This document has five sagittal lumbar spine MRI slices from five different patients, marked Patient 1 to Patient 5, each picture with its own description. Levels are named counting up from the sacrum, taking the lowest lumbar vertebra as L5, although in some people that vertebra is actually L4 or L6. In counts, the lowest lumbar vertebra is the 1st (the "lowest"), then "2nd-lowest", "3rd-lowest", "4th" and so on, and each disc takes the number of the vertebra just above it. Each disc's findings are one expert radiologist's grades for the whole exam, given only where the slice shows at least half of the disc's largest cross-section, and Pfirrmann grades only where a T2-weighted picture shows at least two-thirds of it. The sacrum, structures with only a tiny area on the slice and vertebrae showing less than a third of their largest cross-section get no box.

Patient 1 of 5:
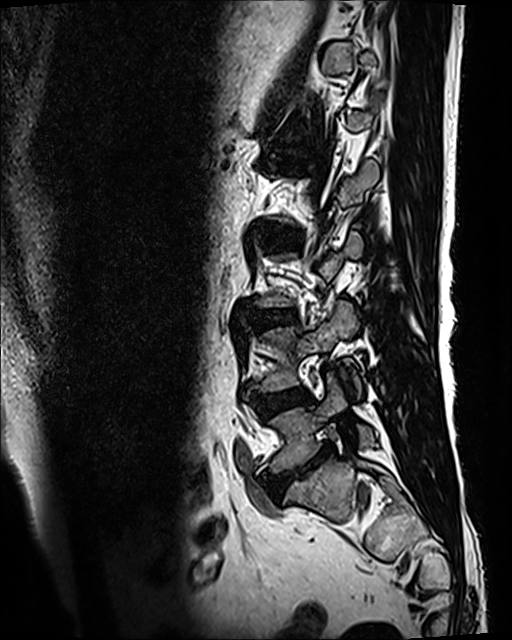 Sagittal slice index 33; MRI lumbar spine (T2 SPACE (3D)), sagittal plane
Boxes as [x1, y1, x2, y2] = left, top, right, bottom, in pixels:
Segmented structures:
* L4 = [255, 300, 361, 397]
* L3/L4 = [254, 310, 296, 327]
* L5/S1 = [269, 445, 334, 492]
* L5 = [270, 372, 375, 472]
* intervertebral disc L4/L5 = [256, 390, 308, 415]

Patient 2 of 5:
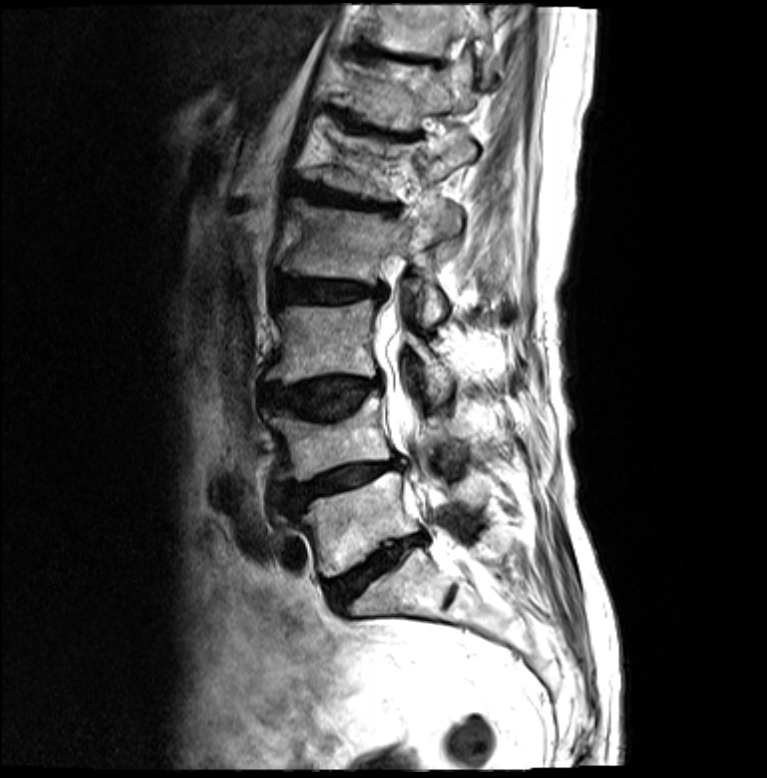 T2-weighted sagittal MRI of the lumbar spine | Slice 8 of 19
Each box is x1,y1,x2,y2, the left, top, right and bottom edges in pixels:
Disc T11/T12 (7th disc): 365,49,438,62.
L5 (lowest vertebra): 291,472,482,577.
L3 (3rd-lowest vertebra): 266,298,454,399.
L2 (4th vertebra): 280,197,462,324.
T11 (7th vertebra): 373,5,498,83.
Disc L1/L2 (5th disc): 301,185,398,212.
Disc L5/S1 (lowest disc): 327,534,422,610.
L4 (2nd-lowest vertebra): 268,390,458,482.
L2/L3 (4th disc): 276,279,386,306.
T12 (6th vertebra): 333,65,478,128.
L4/L5 (2nd-lowest disc): 278,458,404,507.
L3/L4 (3rd-lowest disc): 266,378,380,419.
T12/L1 (6th disc): 353,128,420,138.
Spinal canal: 373,304,462,547.

Expert MSK radiologist gradings (per disc):
• L5/S1 (lowest disc): Pfirrmann grade 5, disc narrowing, lower-endplate change, disc bulging, upper-endplate change, Modic type II
• L2/L3 (4th disc): Pfirrmann grade 4, lower-endplate change, Modic type II, upper-endplate change, disc narrowing, disc bulging
• L1/L2 (5th disc): Pfirrmann grade 5, lower-endplate change, disc narrowing, disc bulging, upper-endplate change, Modic type II
• L4/L5 (2nd-lowest disc): Pfirrmann grade 4, disc narrowing, upper-endplate change, Modic type II, lower-endplate change, disc bulging
• L3/L4 (3rd-lowest disc): Pfirrmann grade 4, upper-endplate change, disc bulging, lower-endplate change, Modic type II

Patient 3 of 5:
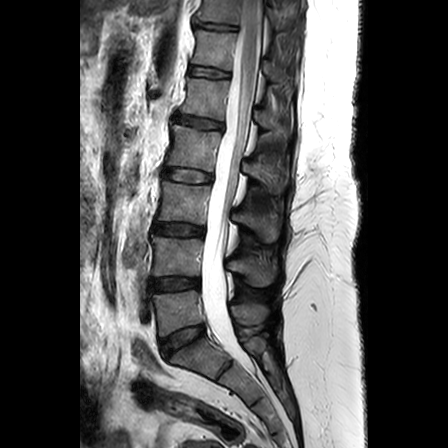

Lumbar spine MR, T2-weighted, sagittal, Slice 12/24, Slice spacing 3.3 mm
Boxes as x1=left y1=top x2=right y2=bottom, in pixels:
Structures:
• L5 = x1=152 y1=290 x2=267 y2=336
• L2/L3 = x1=164 y1=169 x2=211 y2=182
• intervertebral disc T11/T12 = x1=196 y1=23 x2=236 y2=30
• L3/L4 = x1=153 y1=223 x2=203 y2=235
• intervertebral disc T12/L1 = x1=189 y1=66 x2=229 y2=77
• thecal sac / spinal canal = x1=201 y1=0 x2=263 y2=365
• intervertebral disc L1/L2 = x1=174 y1=115 x2=223 y2=130
• L3 vertebra = x1=158 y1=181 x2=278 y2=241
• L2 vertebra = x1=168 y1=125 x2=287 y2=192
• intervertebral disc L5/S1 = x1=161 y1=326 x2=203 y2=356
• L4/L5 = x1=150 y1=278 x2=199 y2=291
• T12 = x1=192 y1=30 x2=277 y2=80
• L1 = x1=180 y1=78 x2=289 y2=138
• T11 = x1=197 y1=0 x2=280 y2=26
• L4 vertebra = x1=151 y1=235 x2=276 y2=286

Expert MSK radiologist gradings (per disc):
- L2/L3: Pfirrmann grade 2
- L4/L5: Pfirrmann grade 3, disc narrowing
- T12/L1: Pfirrmann grade 2
- L5/S1: Pfirrmann grade 3
- T11/T12: Pfirrmann grade 2
- L1/L2: Pfirrmann grade 3, disc bulging, Modic type II, upper-endplate change
- L3/L4: Pfirrmann grade 3, upper-endplate change

Patient 4 of 5:
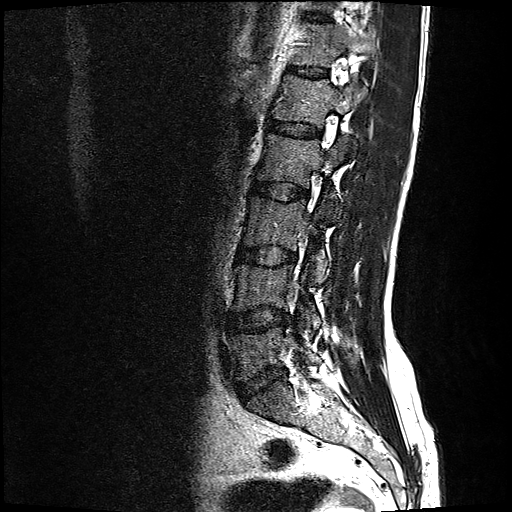 Sagittal T2-weighted lumbar spine MRI. Field of view 300x300 mm. Slice 14/17.

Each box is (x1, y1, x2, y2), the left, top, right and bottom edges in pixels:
L1 vertebra = (272, 74, 366, 143).
Intervertebral disc L5/S1 = (236, 365, 287, 399).
Intervertebral disc L4/L5 = (229, 305, 289, 330).
T12 = (291, 21, 369, 64).
L5 = (229, 316, 321, 378).
L2 = (256, 132, 354, 218).
Intervertebral disc T11/T12 = (305, 12, 330, 21).
L3 vertebra = (243, 189, 328, 280).
Intervertebral disc T12/L1 = (287, 64, 327, 76).
L4 vertebra = (232, 262, 322, 331).
L2/L3 = (252, 180, 309, 198).
Intervertebral disc L1/L2 = (267, 120, 319, 135).
Intervertebral disc L3/L4 = (238, 245, 296, 264).

Degenerative findings by level:
- L4/L5: Pfirrmann grade 2, disc bulging
- L2/L3: Pfirrmann grade 2
- L3/L4: Pfirrmann grade 2, disc bulging
- L1/L2: Pfirrmann grade 2
- L5/S1: Pfirrmann grade 2, disc bulging
- T12/L1: no Modic or endplate change, herniation, narrowing, bulging or spondylolisthesis recorded

Patient 5 of 5:
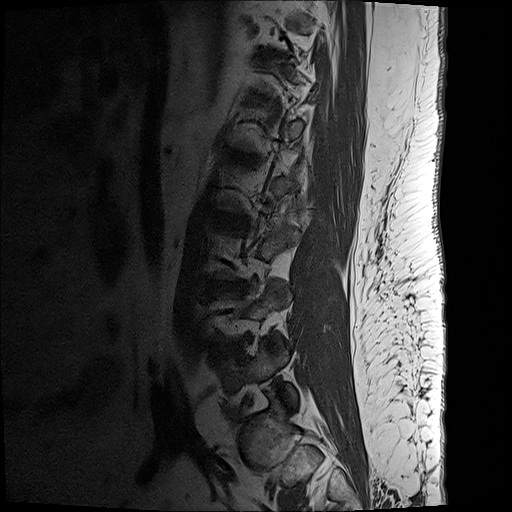 Sagittal T1-weighted lumbar spine MRI.

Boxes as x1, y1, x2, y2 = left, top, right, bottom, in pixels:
Structures:
• 4th disc — 222, 218, 245, 227
• 2nd-lowest disc — 216, 346, 233, 354
• 3rd-lowest disc — 217, 282, 243, 290
• 5th disc — 234, 155, 253, 162